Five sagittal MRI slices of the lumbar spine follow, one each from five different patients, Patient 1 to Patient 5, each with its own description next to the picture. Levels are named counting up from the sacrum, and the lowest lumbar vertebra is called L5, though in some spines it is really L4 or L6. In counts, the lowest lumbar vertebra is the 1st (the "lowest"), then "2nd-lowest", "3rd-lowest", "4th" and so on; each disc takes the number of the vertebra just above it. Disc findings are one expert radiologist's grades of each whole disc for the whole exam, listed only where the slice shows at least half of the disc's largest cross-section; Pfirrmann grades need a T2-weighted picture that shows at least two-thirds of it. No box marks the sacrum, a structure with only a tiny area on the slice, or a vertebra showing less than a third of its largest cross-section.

Patient 1 of 5:
Sex M; Lumbar spine MR, T2-weighted, sagittal; Slice 12/16

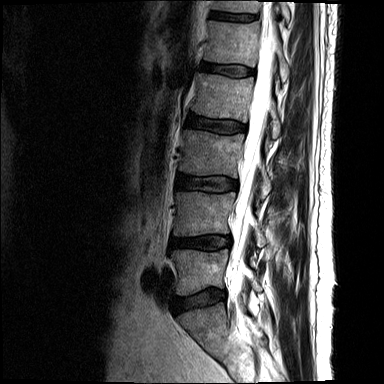
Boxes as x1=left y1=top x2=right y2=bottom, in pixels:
L5 — x1=171 y1=249 x2=261 y2=295.
L2/L3 — x1=186 y1=115 x2=246 y2=133.
T12 — x1=213 y1=0 x2=289 y2=22.
L2 vertebra — x1=191 y1=73 x2=280 y2=138.
L3 vertebra — x1=179 y1=130 x2=271 y2=198.
T12/L1 — x1=211 y1=12 x2=256 y2=21.
L1/L2 — x1=201 y1=63 x2=254 y2=76.
Intervertebral disc L4/L5 — x1=170 y1=237 x2=230 y2=249.
Intervertebral disc L3/L4 — x1=176 y1=175 x2=237 y2=191.
Spinal canal — x1=232 y1=19 x2=275 y2=301.
L1 — x1=204 y1=21 x2=289 y2=81.
L4 vertebra — x1=173 y1=192 x2=266 y2=246.
L5/S1 — x1=173 y1=290 x2=224 y2=311.

Degenerative findings by level:
  L1/L2: Pfirrmann grade 3, upper-endplate change
  L3/L4: Pfirrmann grade 3, upper-endplate change
  L4/L5: Pfirrmann grade 3, disc narrowing, disc herniation, disc bulging
  T12/L1: Pfirrmann grade 3, lower-endplate change, upper-endplate change
  L2/L3: Pfirrmann grade 3, upper-endplate change
  L5/S1: Pfirrmann grade 3, disc bulging

Patient 2 of 5:
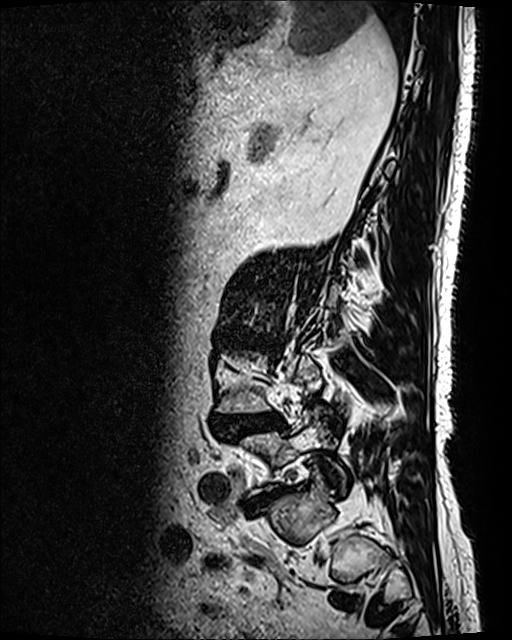

Slice 29 of 120. T2 SPACE (3D) sagittal MRI of the lumbar spine. Slice spacing 0.9 mm.
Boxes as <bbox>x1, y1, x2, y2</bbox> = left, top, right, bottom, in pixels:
- 2nd-lowest disc — <bbox>214, 412, 283, 438</bbox>
- 3rd-lowest disc — <bbox>229, 336, 265, 346</bbox>
- lowest vertebra — <bbox>242, 422, 346, 493</bbox>
- lowest disc — <bbox>256, 491, 279, 504</bbox>

Degenerative findings by level:
• 2nd-lowest disc: lower-endplate change, disc bulging, Modic type II, upper-endplate change, disc narrowing, disc herniation, spondylolisthesis

Patient 3 of 5:
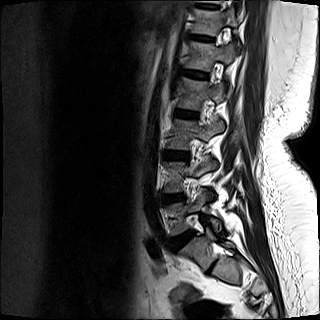 T2-weighted sagittal MRI of the lumbar spine; Field of view 280x280 mm, slice spacing 4.8 mm; Sagittal slice index 3; Sex F
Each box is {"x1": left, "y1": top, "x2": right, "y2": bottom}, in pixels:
6th vertebra at {"x1": 193, "y1": 8, "x2": 238, "y2": 35}, 6th disc at {"x1": 190, "y1": 34, "x2": 213, "y2": 41}, 3rd-lowest vertebra at {"x1": 168, "y1": 120, "x2": 224, "y2": 149}, 5th disc at {"x1": 183, "y1": 70, "x2": 207, "y2": 79}, 4th disc at {"x1": 176, "y1": 110, "x2": 197, "y2": 118}, lowest disc at {"x1": 170, "y1": 232, "x2": 193, "y2": 250}, lowest vertebra at {"x1": 169, "y1": 189, "x2": 222, "y2": 234}, 3rd-lowest disc at {"x1": 164, "y1": 151, "x2": 188, "y2": 159}, 5th vertebra at {"x1": 187, "y1": 42, "x2": 234, "y2": 70}, 2nd-lowest disc at {"x1": 162, "y1": 194, "x2": 183, "y2": 203}, 4th vertebra at {"x1": 180, "y1": 78, "x2": 225, "y2": 109}.

Degenerative findings by level:
• 5th disc: Pfirrmann grade 2
• 6th disc: Pfirrmann grade 2
• 3rd-lowest disc: lower-endplate change
• 4th disc: no spondylolisthesis, narrowing, bulging, herniation, Modic or endplate change recorded

Patient 4 of 5:
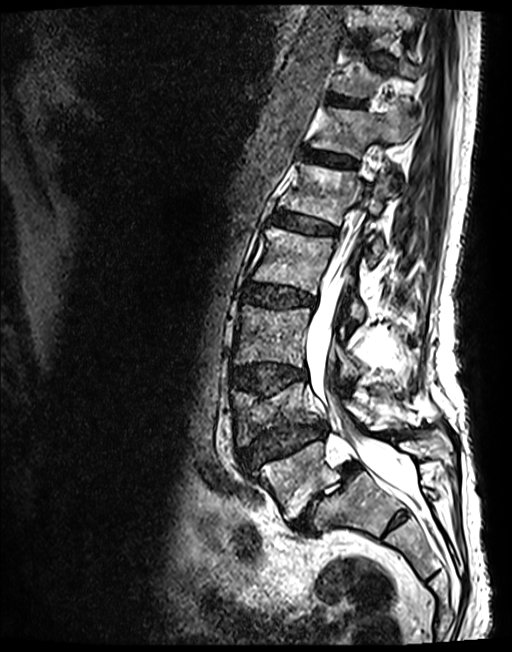 Lumbar spine MR, T2 SPACE (3D), sagittal | Patient sex: M

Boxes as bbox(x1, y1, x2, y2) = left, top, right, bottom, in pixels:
Structures:
- L5 vertebra = bbox(253, 432, 449, 519)
- T12 = bbox(312, 106, 420, 156)
- L2 = bbox(253, 227, 364, 321)
- intervertebral disc L5/S1 = bbox(291, 461, 359, 535)
- spinal canal = bbox(306, 227, 416, 498)
- L3/L4 = bbox(230, 364, 306, 395)
- L3 = bbox(235, 305, 360, 379)
- T11/T12 = bbox(331, 95, 364, 107)
- L1/L2 = bbox(272, 213, 336, 235)
- intervertebral disc T12/L1 = bbox(303, 150, 355, 166)
- L2/L3 = bbox(246, 284, 315, 307)
- L1 = bbox(281, 164, 395, 263)
- L4 vertebra = bbox(230, 383, 373, 446)
- intervertebral disc L4/L5 = bbox(240, 424, 325, 468)

Expert MSK radiologist gradings (per disc):
- L4/L5: Pfirrmann grade 3, upper-endplate change, lower-endplate change, disc herniation, spondylolisthesis, disc narrowing
- L2/L3: Pfirrmann grade 3, disc bulging
- L1/L2: Pfirrmann grade 3
- L3/L4: Pfirrmann grade 3, disc bulging, upper-endplate change, lower-endplate change
- L5/S1: Pfirrmann grade 5, disc herniation, Modic type II, spondylolisthesis, disc narrowing
- T12/L1: no Modic or endplate change, herniation, narrowing, bulging or spondylolisthesis recorded

Patient 5 of 5:
Scanner: SIEMENS Avanto_fit (1.5T); 512x512 px; MRI lumbar spine (T2-weighted), sagittal plane; Sex F
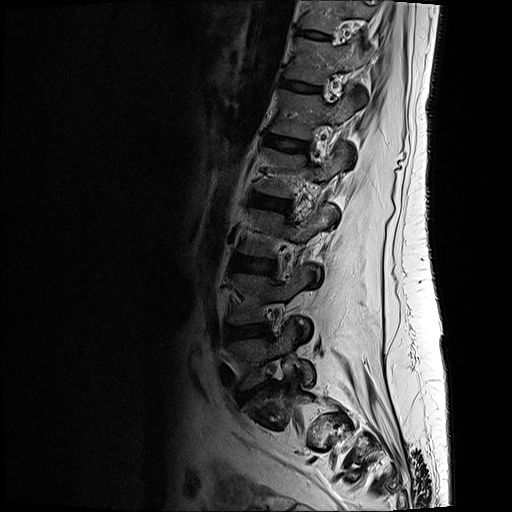

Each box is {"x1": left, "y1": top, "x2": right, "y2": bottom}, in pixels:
disc T12/L1 — {"x1": 281, "y1": 79, "x2": 320, "y2": 91} | T11/T12 — {"x1": 298, "y1": 30, "x2": 328, "y2": 39} | T12 — {"x1": 283, "y1": 37, "x2": 365, "y2": 83} | disc L2/L3 — {"x1": 249, "y1": 193, "x2": 289, "y2": 211} | L3 — {"x1": 239, "y1": 203, "x2": 334, "y2": 274} | L2 vertebra — {"x1": 258, "y1": 144, "x2": 345, "y2": 197} | T11 vertebra — {"x1": 302, "y1": 0, "x2": 373, "y2": 33} | L1 vertebra — {"x1": 270, "y1": 88, "x2": 352, "y2": 138} | L4 — {"x1": 228, "y1": 266, "x2": 309, "y2": 333} | L3/L4 — {"x1": 231, "y1": 255, "x2": 276, "y2": 273} | L1/L2 — {"x1": 266, "y1": 135, "x2": 308, "y2": 151} | L4/L5 — {"x1": 224, "y1": 324, "x2": 269, "y2": 340} | L5 vertebra — {"x1": 229, "y1": 322, "x2": 314, "y2": 388} | disc L5/S1 — {"x1": 239, "y1": 381, "x2": 270, "y2": 401}

Expert MSK radiologist gradings (per disc):
• L3/L4, L1/L2: no Modic or endplate change, herniation, narrowing, bulging or spondylolisthesis recorded